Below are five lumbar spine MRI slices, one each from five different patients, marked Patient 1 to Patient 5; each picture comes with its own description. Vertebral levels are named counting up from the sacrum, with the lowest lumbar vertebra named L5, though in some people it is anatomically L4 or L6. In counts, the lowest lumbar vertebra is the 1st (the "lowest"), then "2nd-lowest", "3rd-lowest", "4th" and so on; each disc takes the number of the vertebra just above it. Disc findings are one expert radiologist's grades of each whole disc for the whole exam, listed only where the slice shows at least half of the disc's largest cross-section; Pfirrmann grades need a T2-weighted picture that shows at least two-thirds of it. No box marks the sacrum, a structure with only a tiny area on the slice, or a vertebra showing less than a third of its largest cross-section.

Patient 1 of 5:
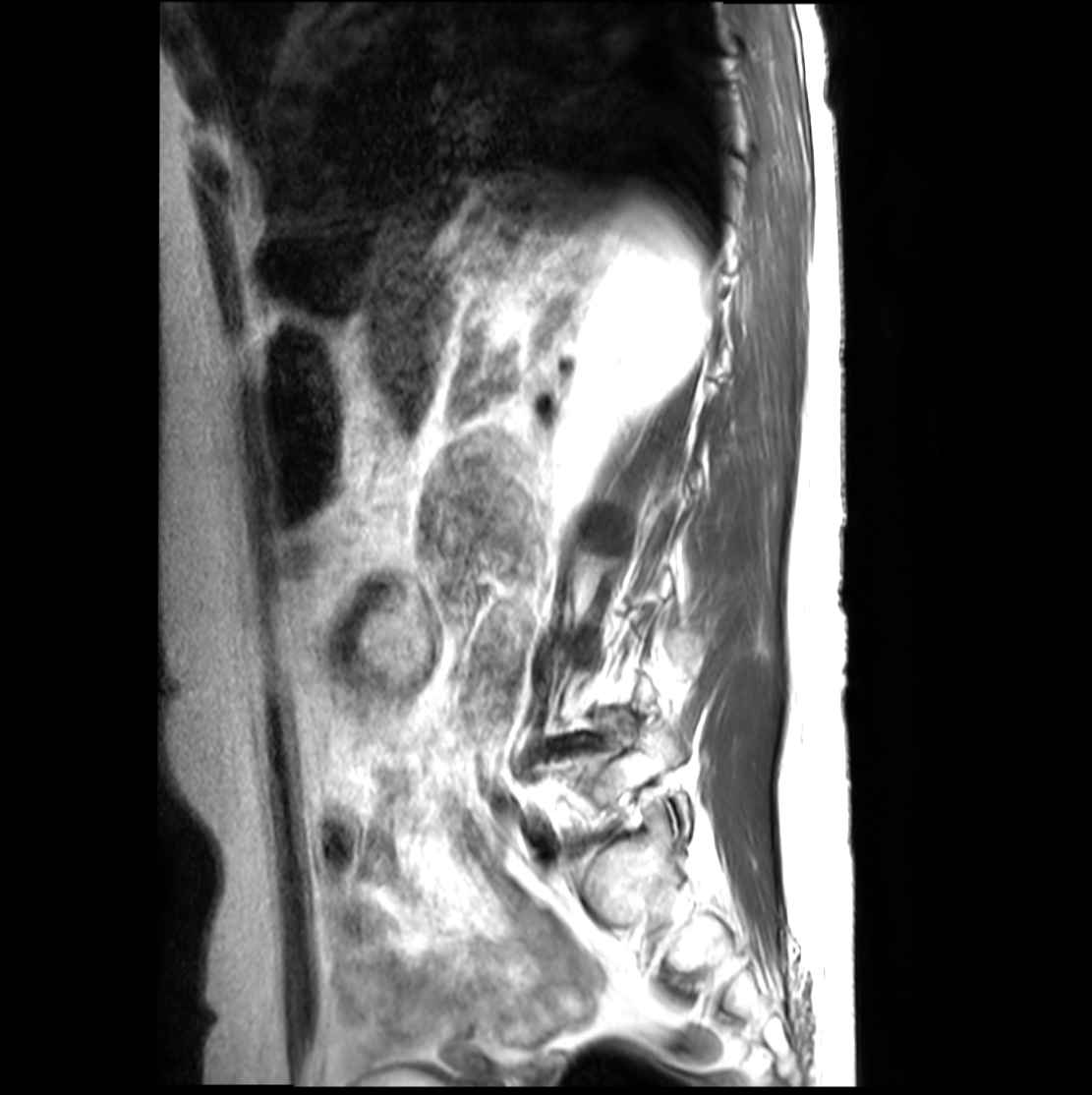 Image 1092x1095 | Lumbar spine MR, T2-weighted, sagittal | Field of view 342x343 mm
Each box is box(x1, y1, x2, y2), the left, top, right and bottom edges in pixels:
Structures:
- 2nd-lowest disc: box(544, 741, 589, 756)
- lowest vertebra: box(533, 725, 691, 834)

Patient 2 of 5:
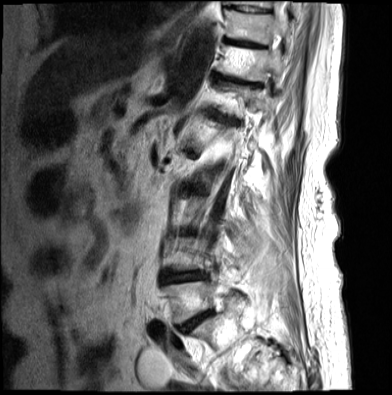 Image 392x395, MRI lumbar spine (T2-weighted), sagittal plane, Sagittal slice index 13

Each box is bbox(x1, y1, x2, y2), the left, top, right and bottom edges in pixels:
9th disc: bbox(230, 6, 269, 12)
8th disc: bbox(224, 38, 264, 48)
lowest vertebra: bbox(164, 282, 225, 324)
thecal sac / spinal canal: bbox(274, 0, 285, 33)
7th disc: bbox(214, 73, 255, 86)
lowest disc: bbox(181, 313, 207, 330)
7th vertebra: bbox(216, 45, 283, 81)
2nd-lowest disc: bbox(166, 274, 202, 283)
9th vertebra: bbox(225, 0, 272, 9)
8th vertebra: bbox(224, 9, 290, 45)

Per-level radiological findings:
  9th disc: Pfirrmann grade 2
  2nd-lowest disc: Modic type II, disc narrowing, lower-endplate change, upper-endplate change, disc bulging
  7th disc: Pfirrmann grade 4, disc bulging, disc narrowing, Modic type II
  8th disc: Modic type II

Patient 3 of 5:
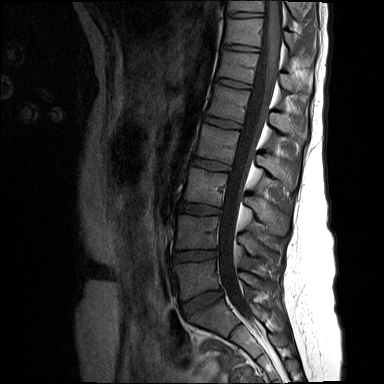
T1-weighted sagittal MRI of the lumbar spine.

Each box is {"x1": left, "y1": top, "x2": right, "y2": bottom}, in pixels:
Disc T11/T12 (7th disc) at {"x1": 224, "y1": 44, "x2": 258, "y2": 51}, spinal canal at {"x1": 218, "y1": 0, "x2": 282, "y2": 322}, T10 (8th vertebra) at {"x1": 228, "y1": 0, "x2": 296, "y2": 16}, disc L1/L2 (5th disc) at {"x1": 204, "y1": 116, "x2": 240, "y2": 128}, L5/S1 (lowest disc) at {"x1": 182, "y1": 290, "x2": 222, "y2": 316}, L2/L3 (4th disc) at {"x1": 192, "y1": 156, "x2": 228, "y2": 171}, disc L4/L5 (2nd-lowest disc) at {"x1": 174, "y1": 250, "x2": 217, "y2": 260}, T12 (6th vertebra) at {"x1": 218, "y1": 51, "x2": 311, "y2": 92}, L2 (4th vertebra) at {"x1": 196, "y1": 124, "x2": 299, "y2": 190}, L1 (5th vertebra) at {"x1": 208, "y1": 84, "x2": 307, "y2": 142}, disc L3/L4 (3rd-lowest disc) at {"x1": 179, "y1": 201, "x2": 220, "y2": 214}, disc T10/T11 (8th disc) at {"x1": 229, "y1": 12, "x2": 262, "y2": 17}, L3 (3rd-lowest vertebra) at {"x1": 184, "y1": 167, "x2": 288, "y2": 234}, T11 (7th vertebra) at {"x1": 225, "y1": 18, "x2": 298, "y2": 53}, disc T12/L1 (6th disc) at {"x1": 215, "y1": 77, "x2": 251, "y2": 88}, L5 (lowest vertebra) at {"x1": 174, "y1": 260, "x2": 275, "y2": 299}, L4 (2nd-lowest vertebra) at {"x1": 176, "y1": 215, "x2": 277, "y2": 263}.

Per-level radiological findings:
  T12/L1 (6th disc), L5/S1 (lowest disc), L3/L4 (3rd-lowest disc), L4/L5 (2nd-lowest disc), L2/L3 (4th disc), T10/T11 (8th disc), T11/T12 (7th disc), L1/L2 (5th disc): no spondylolisthesis, narrowing, bulging, herniation, Modic or endplate change recorded

Patient 4 of 5:
MRI lumbar spine (T2-weighted), sagittal plane | Slice 7 of 15 | 384x384 px

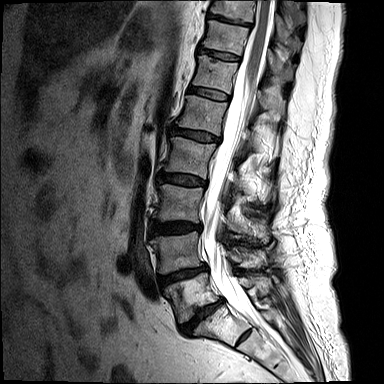
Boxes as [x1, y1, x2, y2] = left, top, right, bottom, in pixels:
lowest vertebra: [164, 273, 255, 322] | 8th disc: [207, 13, 251, 26] | 3rd-lowest disc: [151, 222, 201, 234] | 2nd-lowest disc: [159, 265, 206, 286] | 5th vertebra: [178, 95, 254, 148] | 7th vertebra: [202, 20, 291, 79] | 2nd-lowest vertebra: [150, 232, 261, 273] | 6th disc: [188, 86, 228, 99] | 6th vertebra: [193, 55, 284, 112] | 8th vertebra: [210, 0, 300, 51] | lowest disc: [180, 298, 223, 335] | 3rd-lowest vertebra: [154, 184, 268, 242] | 7th disc: [198, 47, 239, 61] | 4th vertebra: [164, 137, 242, 195] | 5th disc: [172, 127, 219, 141] | spinal canal: [202, 0, 274, 328] | 4th disc: [159, 173, 205, 186]

Degenerative findings by level:
• 2nd-lowest disc: Pfirrmann grade 4, lower-endplate change, disc bulging, disc narrowing, upper-endplate change, Modic type II
• 8th disc: Pfirrmann grade 5, disc narrowing, lower-endplate change, Modic type II
• 4th disc: Pfirrmann grade 3, disc bulging
• 7th disc: Pfirrmann grade 2, upper-endplate change, Modic type II
• 5th disc: Pfirrmann grade 3, disc bulging
• lowest disc: Pfirrmann grade 5, disc narrowing, Modic type II, disc bulging, lower-endplate change, upper-endplate change
• 6th disc: Pfirrmann grade 2, Modic type II
• 3rd-lowest disc: Pfirrmann grade 3, disc bulging

Patient 5 of 5:
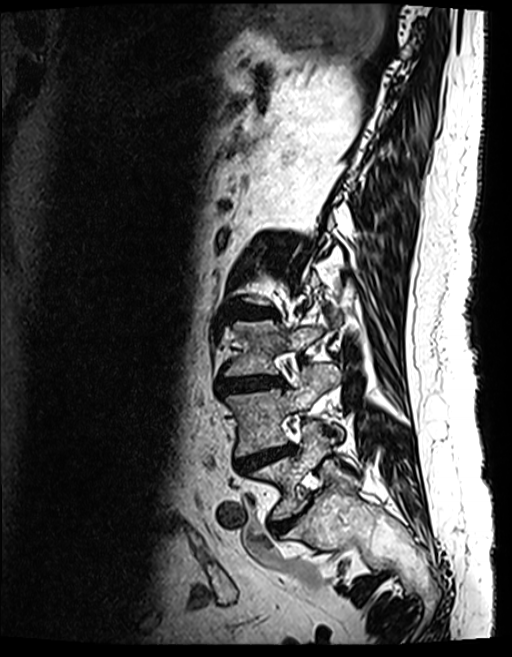 Patient sex: F. 512x657 px. Slice 105 of 154. MRI lumbar spine (T2 SPACE (3D)), sagittal plane.
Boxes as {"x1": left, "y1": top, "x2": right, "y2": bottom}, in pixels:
L3/L4 — {"x1": 220, "y1": 376, "x2": 281, "y2": 390}.
L5 — {"x1": 250, "y1": 422, "x2": 333, "y2": 519}.
Intervertebral disc L4/L5 — {"x1": 234, "y1": 444, "x2": 293, "y2": 471}.
L2/L3 — {"x1": 238, "y1": 306, "x2": 272, "y2": 316}.
L4 vertebra — {"x1": 227, "y1": 365, "x2": 341, "y2": 456}.
L3 — {"x1": 225, "y1": 313, "x2": 336, "y2": 375}.
L5/S1 — {"x1": 267, "y1": 507, "x2": 303, "y2": 531}.

Degenerative findings by level:
• L4/L5: Pfirrmann grade 5, disc bulging, disc narrowing, Modic type II, lower-endplate change, upper-endplate change
• L3/L4: Pfirrmann grade 4, Modic type II, upper-endplate change, lower-endplate change, disc narrowing, disc bulging